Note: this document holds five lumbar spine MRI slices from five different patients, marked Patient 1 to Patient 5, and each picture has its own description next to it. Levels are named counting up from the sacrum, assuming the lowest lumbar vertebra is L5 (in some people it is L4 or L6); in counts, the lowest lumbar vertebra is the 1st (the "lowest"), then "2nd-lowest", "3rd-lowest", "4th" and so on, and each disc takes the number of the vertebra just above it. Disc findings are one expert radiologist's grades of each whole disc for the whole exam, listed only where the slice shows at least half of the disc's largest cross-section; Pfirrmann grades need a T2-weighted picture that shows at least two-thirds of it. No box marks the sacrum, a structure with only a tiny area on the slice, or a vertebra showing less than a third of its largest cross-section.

Patient 1 of 5:
Lumbar spine MR, T2 SPACE (3D), sagittal

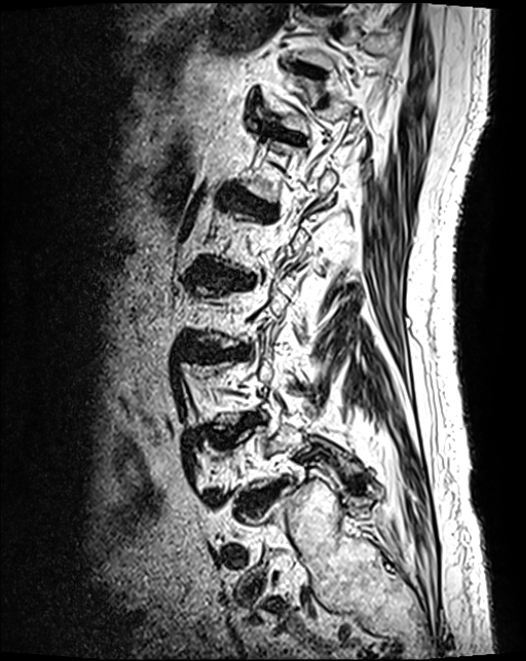 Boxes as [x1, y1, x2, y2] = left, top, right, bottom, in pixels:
5th disc: [228, 195, 264, 209] | 6th disc: [273, 132, 299, 141] | 2nd-lowest disc: [220, 422, 248, 438] | lowest disc: [250, 498, 266, 508] | 3rd-lowest disc: [195, 347, 235, 360]

Patient 2 of 5:
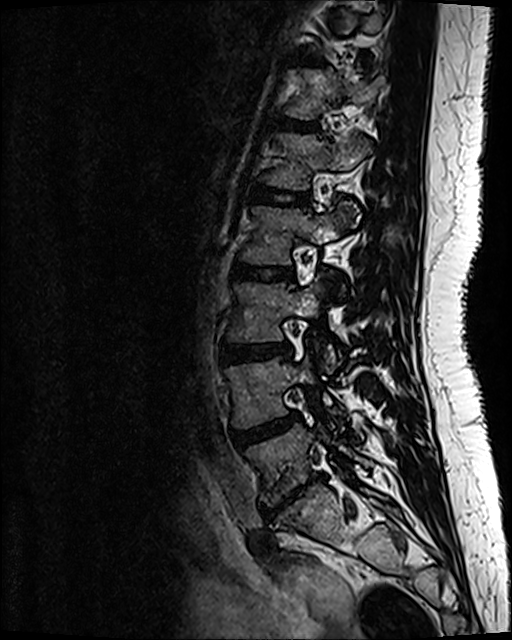

Patient sex: F | MRI lumbar spine (T2 SPACE (3D)), sagittal plane | Sagittal slice index 78

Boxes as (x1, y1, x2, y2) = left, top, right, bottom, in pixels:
L4/L5 (2nd-lowest disc) at (231, 412, 299, 448), disc T11/T12 (7th disc) at (293, 55, 311, 60), T12 (6th vertebra) at (288, 69, 383, 119), T12/L1 (6th disc) at (274, 118, 314, 130), L2/L3 (4th disc) at (232, 262, 293, 280), L2 (4th vertebra) at (241, 205, 353, 263), disc L5/S1 (lowest disc) at (261, 475, 323, 519), L3 (3rd-lowest vertebra) at (227, 279, 334, 369), L4 (2nd-lowest vertebra) at (227, 356, 337, 426), L5 (lowest vertebra) at (246, 425, 371, 504), L1/L2 (5th disc) at (248, 185, 307, 206), L3/L4 (3rd-lowest disc) at (222, 345, 290, 362), L1 (5th vertebra) at (263, 135, 369, 188).

Expert MSK radiologist gradings (per disc):
- L4/L5 (2nd-lowest disc): disc bulging
- L1/L2 (5th disc): Pfirrmann grade 2
- L2/L3 (4th disc): Pfirrmann grade 2
- L3/L4 (3rd-lowest disc): Pfirrmann grade 2, disc bulging
- T12/L1 (6th disc): no spondylolisthesis, narrowing, bulging, herniation, Modic or endplate change recorded

Patient 3 of 5:
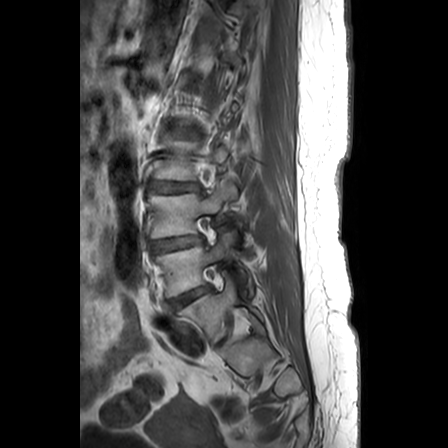

T1-weighted sagittal MRI of the lumbar spine
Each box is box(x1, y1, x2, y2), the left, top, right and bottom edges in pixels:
Structures:
- 3rd-lowest vertebra at box(148, 181, 237, 238)
- 4th disc at box(150, 182, 199, 192)
- lowest vertebra at box(179, 278, 266, 341)
- 3rd-lowest disc at box(150, 236, 202, 253)
- 2nd-lowest vertebra at box(156, 231, 254, 296)
- 4th vertebra at box(153, 141, 230, 180)
- 5th disc at box(177, 130, 195, 137)
- 2nd-lowest disc at box(171, 286, 209, 309)

Per-level radiological findings:
• 3rd-lowest disc: lower-endplate change, disc bulging, upper-endplate change
• 2nd-lowest disc: disc narrowing, disc bulging
• 4th disc: lower-endplate change, disc bulging, upper-endplate change

Patient 4 of 5:
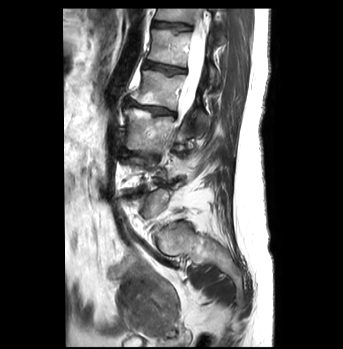

Lumbar spine MR, T2-weighted, sagittal.

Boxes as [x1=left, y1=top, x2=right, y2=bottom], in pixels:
Structures:
• T12 (6th vertebra) — [x1=155, y1=9, x2=225, y2=43]
• L3/L4 (3rd-lowest disc) — [x1=119, y1=149, x2=159, y2=160]
• disc L1/L2 (5th disc) — [x1=143, y1=60, x2=186, y2=74]
• L2 (4th vertebra) — [x1=132, y1=70, x2=207, y2=132]
• T12/L1 (6th disc) — [x1=152, y1=21, x2=191, y2=31]
• disc L2/L3 (4th disc) — [x1=125, y1=100, x2=175, y2=116]
• thecal sac / spinal canal — [x1=178, y1=18, x2=206, y2=120]
• L3 (3rd-lowest vertebra) — [x1=124, y1=108, x2=191, y2=152]
• L1 (5th vertebra) — [x1=147, y1=28, x2=218, y2=85]

Per-level radiological findings:
  L2/L3 (4th disc): Pfirrmann grade 4, disc narrowing, lower-endplate change, disc bulging, Modic type II
  T12/L1 (6th disc): Pfirrmann grade 1, upper-endplate change
  L1/L2 (5th disc): Pfirrmann grade 3, upper-endplate change
  L3/L4 (3rd-lowest disc): disc bulging, Modic type II

Patient 5 of 5:
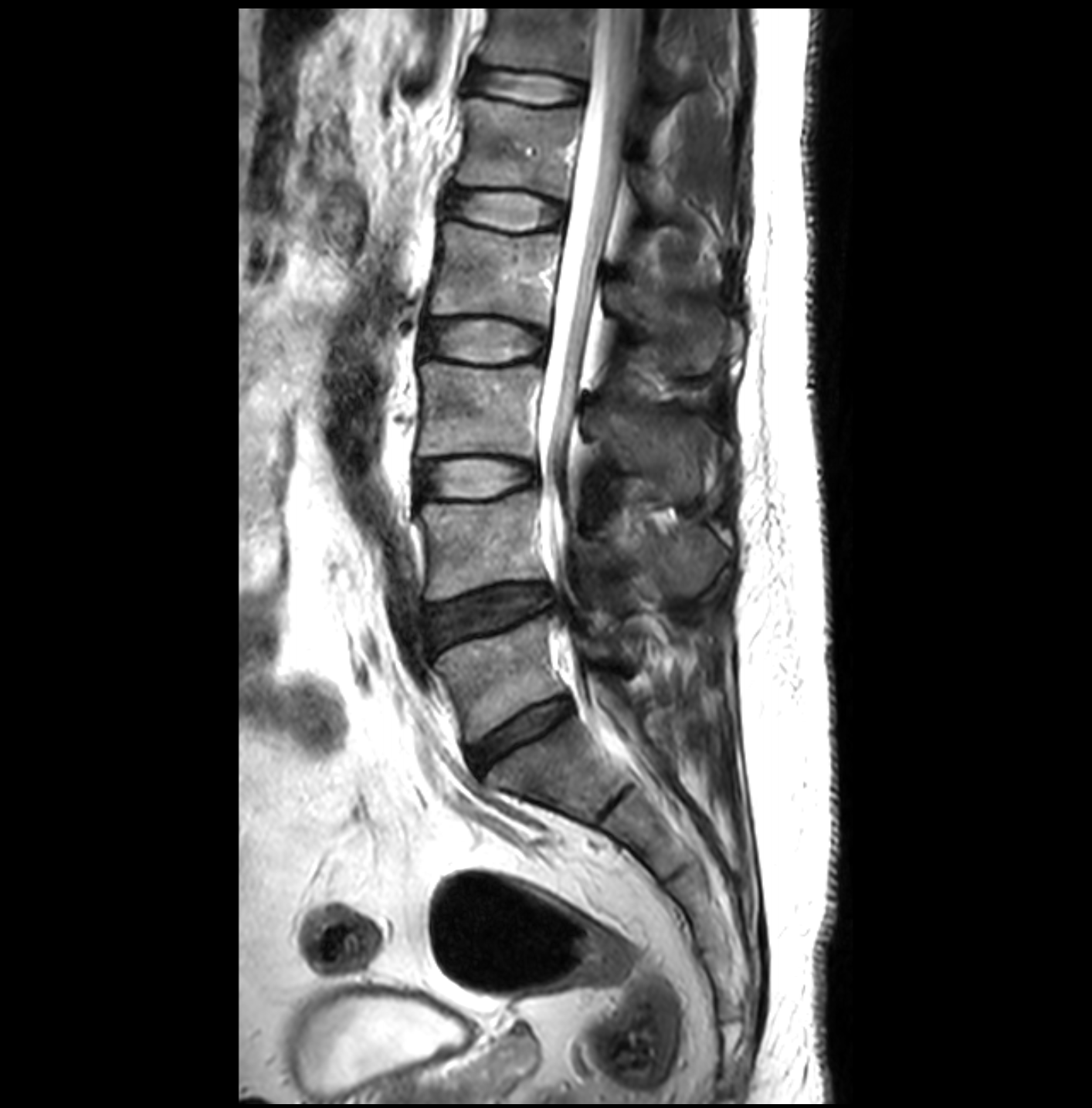
MRI lumbar spine (T2-weighted), sagittal plane

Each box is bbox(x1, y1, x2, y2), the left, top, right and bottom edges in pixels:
L2: bbox(428, 222, 722, 373).
T12/L1: bbox(469, 68, 585, 102).
T12: bbox(481, 8, 677, 98).
Spinal canal: bbox(539, 10, 640, 663).
L2/L3: bbox(423, 322, 544, 360).
L4/L5: bbox(426, 584, 550, 647).
L1 vertebra: bbox(454, 98, 673, 211).
L3: bbox(418, 361, 702, 500).
Intervertebral disc L3/L4: bbox(416, 459, 538, 497).
Intervertebral disc L5/S1: bbox(467, 696, 569, 772).
L1/L2: bbox(445, 191, 562, 227).
L5 vertebra: bbox(440, 615, 622, 745).
L4 vertebra: bbox(418, 490, 724, 602).

Per-level radiological findings:
• L4/L5: Pfirrmann grade 3, disc herniation
• L5/S1: Pfirrmann grade 3
• L2/L3: Pfirrmann grade 1
• L1/L2: Pfirrmann grade 1
• L3/L4: Pfirrmann grade 1
• T12/L1: Pfirrmann grade 1